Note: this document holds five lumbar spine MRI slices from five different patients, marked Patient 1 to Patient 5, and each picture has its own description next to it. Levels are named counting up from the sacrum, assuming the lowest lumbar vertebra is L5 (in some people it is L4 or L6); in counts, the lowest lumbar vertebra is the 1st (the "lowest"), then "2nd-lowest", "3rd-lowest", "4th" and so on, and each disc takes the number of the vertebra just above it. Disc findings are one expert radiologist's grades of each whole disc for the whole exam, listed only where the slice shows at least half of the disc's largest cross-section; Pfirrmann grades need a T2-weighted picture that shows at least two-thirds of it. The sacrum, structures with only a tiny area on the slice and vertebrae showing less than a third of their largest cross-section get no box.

Patient 1 of 5:
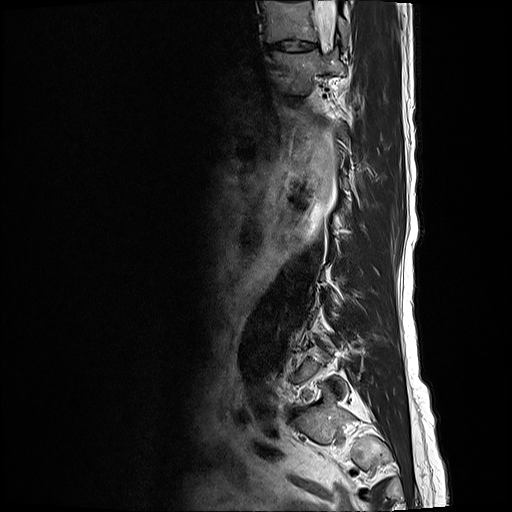 Patient sex: F. Field of view 300x300 mm, slice spacing 3.3 mm. Lumbar spine MR, T2-weighted, sagittal.
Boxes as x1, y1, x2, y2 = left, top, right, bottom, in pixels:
{"8th vertebra": "263, 2, 346, 46", "spinal canal": "316, 1, 337, 38", "7th vertebra": "273, 49, 347, 94", "8th disc": "266, 39, 316, 50"}

Radiological gradings:
  8th disc: Pfirrmann grade 3, disc bulging, disc narrowing

Patient 2 of 5:
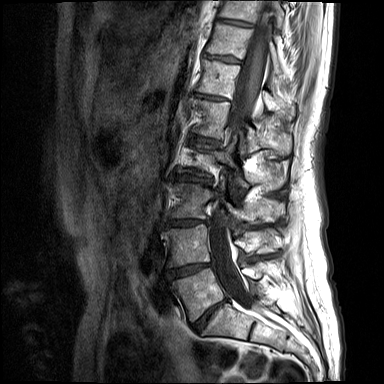
384x384 px. Lumbar spine MR, T1-weighted, sagittal.

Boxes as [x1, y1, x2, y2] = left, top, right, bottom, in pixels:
Structures:
• thecal sac / spinal canal — [209, 1, 273, 308]
• L2 (4th vertebra) — [197, 142, 286, 190]
• T10 (8th vertebra) — [219, 0, 283, 28]
• L3/L4 (3rd-lowest disc) — [169, 219, 201, 225]
• intervertebral disc L5/S1 (lowest disc) — [192, 299, 227, 332]
• L3 (3rd-lowest vertebra) — [172, 178, 284, 221]
• L1 (5th vertebra) — [196, 100, 291, 155]
• T12 (6th vertebra) — [197, 59, 280, 111]
• intervertebral disc T10/T11 (8th disc) — [218, 18, 252, 27]
• T11 (7th vertebra) — [206, 22, 281, 72]
• intervertebral disc T12/L1 (6th disc) — [195, 94, 224, 99]
• L4 (2nd-lowest vertebra) — [164, 224, 275, 266]
• L1/L2 (5th disc) — [192, 135, 215, 142]
• L5 (lowest vertebra) — [172, 266, 264, 320]
• intervertebral disc L4/L5 (2nd-lowest disc) — [168, 263, 211, 277]
• intervertebral disc L2/L3 (4th disc) — [177, 175, 202, 182]
• T11/T12 (7th disc) — [206, 54, 241, 63]

Radiological gradings:
• L3/L4 (3rd-lowest disc): disc narrowing, disc bulging, upper-endplate change, lower-endplate change
• L5/S1 (lowest disc): disc bulging, disc narrowing, upper-endplate change, lower-endplate change
• L4/L5 (2nd-lowest disc): upper-endplate change, disc narrowing, disc bulging, lower-endplate change
• T12/L1 (6th disc): lower-endplate change, upper-endplate change, disc narrowing
• L1/L2 (5th disc): lower-endplate change, upper-endplate change, disc narrowing
• T11/T12 (7th disc): lower-endplate change, upper-endplate change
• T10/T11 (8th disc): no herniation, bulging, narrowing, spondylolisthesis, endplate or Modic change recorded

Patient 3 of 5:
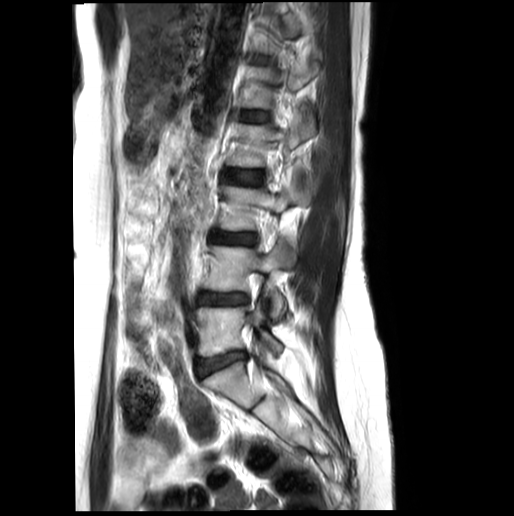

Sagittal T2-weighted lumbar spine MRI. Field of view 310x311 mm. 514x516 px.
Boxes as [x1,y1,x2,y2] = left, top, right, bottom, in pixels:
L4/L5 = [198,292,247,305].
L3 vertebra = [217,178,310,230].
L2/L3 = [227,169,262,184].
L4 vertebra = [202,242,291,319].
L2 = [227,108,315,167].
Disc L1/L2 = [243,111,267,120].
L5/S1 = [195,352,245,376].
L1 = [240,60,319,109].
Disc L3/L4 = [210,231,256,244].
L5 = [196,301,283,356].

Expert MSK radiologist gradings (per disc):
  L4/L5: disc bulging, disc narrowing
  L5/S1: Pfirrmann grade 3, disc bulging, disc narrowing
  L2/L3, L3/L4: no Modic or endplate change, herniation, narrowing, bulging or spondylolisthesis recorded

Patient 4 of 5:
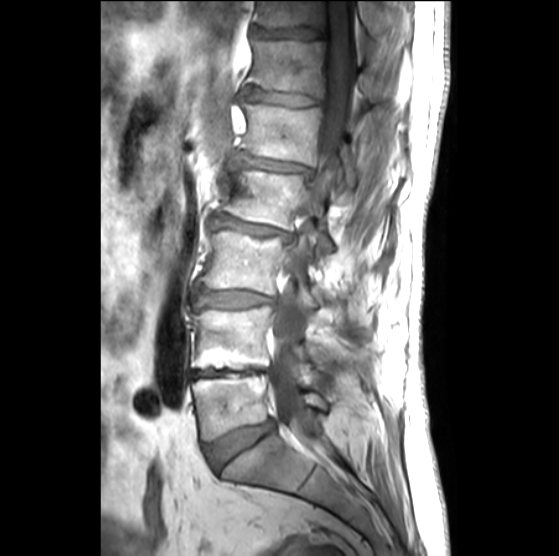 559x556 px, Sex M, MRI lumbar spine (T1-weighted), sagittal plane
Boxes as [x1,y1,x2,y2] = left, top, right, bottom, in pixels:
{"4th vertebra": "[224,164,334,253]", "lowest vertebra": "[193,372,327,439]", "thecal sac / spinal canal": "[269,1,355,456]", "7th disc": "[253,26,323,37]", "5th vertebra": "[235,101,358,190]", "3rd-lowest disc": "[197,290,276,306]", "5th disc": "[238,157,311,173]", "2nd-lowest disc": "[192,368,267,376]", "3rd-lowest vertebra": "[202,230,320,311]", "2nd-lowest vertebra": "[192,305,376,369]", "lowest disc": "[208,420,273,467]", "6th disc": "[248,86,317,106]", "4th disc": "[213,215,291,238]", "6th vertebra": "[249,37,409,101]", "7th vertebra": "[256,1,390,36]"}

Radiological gradings:
- 5th disc: upper-endplate change, disc bulging, disc narrowing, lower-endplate change, Modic type III
- 2nd-lowest disc: disc narrowing, Modic type II, upper-endplate change, lower-endplate change
- lowest disc: disc bulging
- 3rd-lowest disc: disc bulging
- 6th disc: disc narrowing
- 4th disc: disc bulging, disc narrowing, Modic type II, lower-endplate change, upper-endplate change
- 7th disc: disc narrowing

Patient 5 of 5:
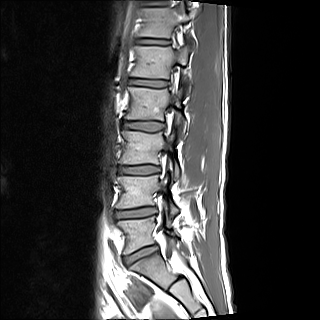 Sagittal T1-weighted lumbar spine MRI

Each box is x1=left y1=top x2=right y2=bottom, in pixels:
* intervertebral disc L2/L3 (4th disc): x1=123 y1=122 x2=163 y2=131
* intervertebral disc L4/L5 (2nd-lowest disc): x1=116 y1=208 x2=155 y2=217
* L3/L4 (3rd-lowest disc): x1=119 y1=166 x2=159 y2=174
* L3 (3rd-lowest vertebra): x1=119 y1=130 x2=180 y2=181
* L2 (4th vertebra): x1=125 y1=87 x2=186 y2=138
* L1/L2 (5th disc): x1=129 y1=79 x2=167 y2=86
* intervertebral disc L5/S1 (lowest disc): x1=125 y1=246 x2=157 y2=264
* L4 (2nd-lowest vertebra): x1=116 y1=175 x2=177 y2=218
* L5 (lowest vertebra): x1=117 y1=216 x2=176 y2=254
* intervertebral disc T12/L1 (6th disc): x1=137 y1=39 x2=168 y2=44
* L1 (5th vertebra): x1=131 y1=45 x2=191 y2=94
* T12 (6th vertebra): x1=139 y1=5 x2=194 y2=46

Expert MSK radiologist gradings (per disc):
  L4/L5 (2nd-lowest disc): lower-endplate change, upper-endplate change, disc bulging
  L5/S1 (lowest disc): upper-endplate change
  T12/L1 (6th disc): upper-endplate change, lower-endplate change
  L3/L4 (3rd-lowest disc): lower-endplate change, disc narrowing, upper-endplate change
  L2/L3 (4th disc): lower-endplate change
  L1/L2 (5th disc): no spondylolisthesis, narrowing, bulging, herniation, Modic or endplate change recorded